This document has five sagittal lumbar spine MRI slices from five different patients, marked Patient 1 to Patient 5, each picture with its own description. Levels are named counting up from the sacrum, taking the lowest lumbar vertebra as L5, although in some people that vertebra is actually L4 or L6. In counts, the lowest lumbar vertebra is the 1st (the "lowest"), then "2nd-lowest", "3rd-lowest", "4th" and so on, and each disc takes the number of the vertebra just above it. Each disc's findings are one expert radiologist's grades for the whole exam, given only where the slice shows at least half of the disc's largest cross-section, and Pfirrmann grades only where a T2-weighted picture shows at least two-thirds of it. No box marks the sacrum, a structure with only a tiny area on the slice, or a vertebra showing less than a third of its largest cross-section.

Patient 1 of 5:
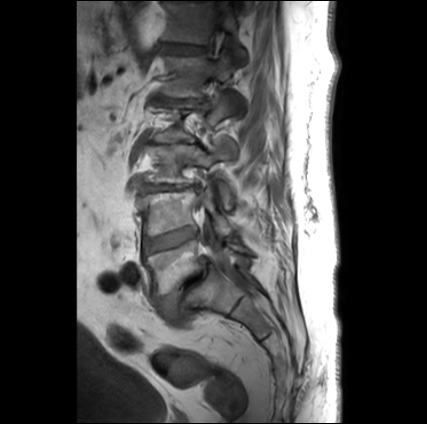
Sex M. Sagittal T1-weighted lumbar spine MRI. Slice 19/30.
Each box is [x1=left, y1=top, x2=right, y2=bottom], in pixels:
• lowest vertebra = [x1=144, y1=240, x2=249, y2=296]
• 5th disc = [x1=158, y1=97, x2=203, y2=101]
• lowest disc = [x1=156, y1=257, x2=207, y2=317]
• 2nd-lowest disc = [x1=143, y1=230, x2=195, y2=254]
• 3rd-lowest vertebra = [x1=144, y1=141, x2=232, y2=208]
• spinal canal = [x1=203, y1=0, x2=257, y2=296]
• 6th vertebra = [x1=164, y1=1, x2=245, y2=60]
• 6th disc = [x1=161, y1=43, x2=207, y2=53]
• 3rd-lowest disc = [x1=140, y1=185, x2=197, y2=193]
• 5th vertebra = [x1=159, y1=51, x2=232, y2=97]
• 2nd-lowest vertebra = [x1=137, y1=186, x2=233, y2=236]

Expert MSK radiologist gradings (per disc):
• lowest disc: disc bulging, upper-endplate change, Modic type II, disc narrowing, lower-endplate change, spondylolisthesis
• 2nd-lowest disc: Modic type II
• 3rd-lowest disc: Modic type II, disc narrowing, disc bulging, lower-endplate change, upper-endplate change
• 6th disc: no Modic or endplate change, herniation, narrowing, bulging or spondylolisthesis recorded

Patient 2 of 5:
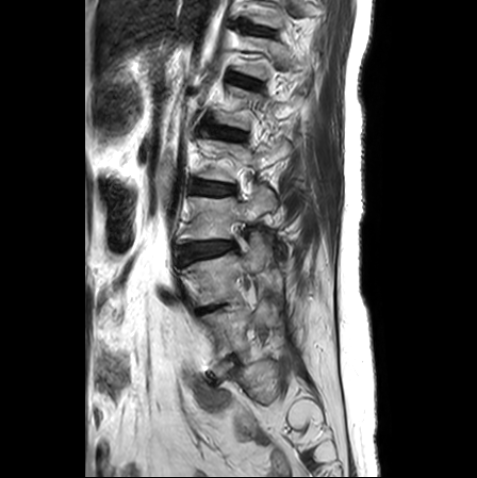

T2-weighted sagittal MRI of the lumbar spine, 477x478 px
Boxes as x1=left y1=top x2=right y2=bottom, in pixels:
T12/L1 at x1=231 y1=74 x2=259 y2=87.
L3/L4 at x1=181 y1=241 x2=233 y2=263.
Intervertebral disc T11/T12 at x1=251 y1=27 x2=273 y2=34.
L1/L2 at x1=215 y1=128 x2=244 y2=139.
Intervertebral disc L5/S1 at x1=221 y1=356 x2=240 y2=372.
L5 vertebra at x1=201 y1=301 x2=283 y2=364.
L4 vertebra at x1=182 y1=232 x2=271 y2=306.
Intervertebral disc L2/L3 at x1=193 y1=181 x2=233 y2=194.
L3 vertebra at x1=178 y1=186 x2=284 y2=257.
Intervertebral disc L4/L5 at x1=199 y1=304 x2=224 y2=313.

Degenerative findings by level:
  L3/L4: Pfirrmann grade 3, disc bulging, lower-endplate change, upper-endplate change, Modic type II
  L2/L3: upper-endplate change, disc bulging, lower-endplate change
  L1/L2: upper-endplate change, lower-endplate change
  T12/L1: no spondylolisthesis, narrowing, bulging, herniation, Modic or endplate change recorded

Patient 3 of 5:
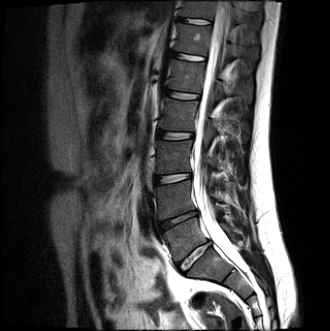

T2-weighted sagittal MRI of the lumbar spine. Image 330x331. Slice spacing 4.2 mm.

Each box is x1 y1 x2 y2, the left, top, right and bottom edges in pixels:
Thecal sac / spinal canal at 194 0 244 269, L1/L2 (5th disc) at 165 90 198 99, L4/L5 (2nd-lowest disc) at 159 209 198 231, IVD L5/S1 (lowest disc) at 178 242 210 271, L3/L4 (3rd-lowest disc) at 154 173 191 184, L2 (4th vertebra) at 159 98 229 132, T12 (6th vertebra) at 174 24 258 58, T11 (7th vertebra) at 180 1 246 22, L4 (2nd-lowest vertebra) at 155 180 221 218, L3 (3rd-lowest vertebra) at 155 140 224 173, L1 (5th vertebra) at 167 59 232 95, L5 (lowest vertebra) at 163 217 232 260, T11/T12 (7th disc) at 179 18 210 24, T12/L1 (6th disc) at 171 52 203 60, L2/L3 (4th disc) at 157 130 192 139.

Per-level radiological findings:
  L2/L3 (4th disc): Pfirrmann grade 2
  L3/L4 (3rd-lowest disc): Pfirrmann grade 2
  T12/L1 (6th disc): Pfirrmann grade 2
  L1/L2 (5th disc): Pfirrmann grade 2
  T11/T12 (7th disc): Pfirrmann grade 2
  L5/S1 (lowest disc): Pfirrmann grade 2, disc bulging
  L4/L5 (2nd-lowest disc): Pfirrmann grade 4, disc herniation, upper-endplate change, Modic type II, disc narrowing, lower-endplate change

Patient 4 of 5:
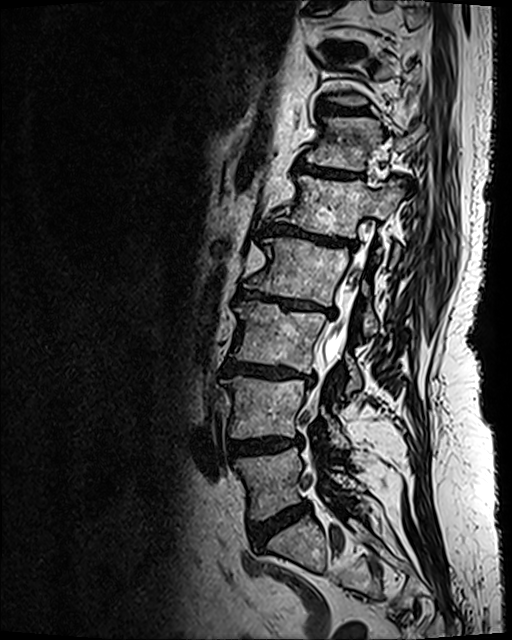 Sex F | T2 SPACE (3D) sagittal MRI of the lumbar spine | 512x640 px | Sagittal slice index 72
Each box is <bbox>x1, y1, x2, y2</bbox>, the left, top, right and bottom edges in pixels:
2nd-lowest vertebra: <bbox>224, 377, 348, 448</bbox>.
Lowest vertebra: <bbox>235, 448, 359, 520</bbox>.
3rd-lowest vertebra: <bbox>231, 301, 361, 393</bbox>.
4th vertebra: <bbox>244, 238, 377, 334</bbox>.
3rd-lowest disc: <bbox>223, 358, 314, 382</bbox>.
5th vertebra: <bbox>278, 175, 405, 259</bbox>.
Spinal canal: <bbox>313, 254, 365, 410</bbox>.
Lowest disc: <bbox>249, 503, 309, 548</bbox>.
5th disc: <bbox>263, 225, 357, 247</bbox>.
6th vertebra: <bbox>307, 117, 412, 170</bbox>.
4th disc: <bbox>238, 287, 334, 314</bbox>.
6th disc: <bbox>297, 164, 354, 177</bbox>.
7th disc: <bbox>322, 107, 354, 113</bbox>.
2nd-lowest disc: <bbox>227, 436, 301, 458</bbox>.

Per-level radiological findings:
  lowest disc: disc bulging
  4th disc: Modic type II, disc bulging, upper-endplate change, lower-endplate change, disc narrowing
  3rd-lowest disc: Pfirrmann grade 5, lower-endplate change, Modic type II, disc bulging, disc narrowing, upper-endplate change
  6th disc: Modic type II, lower-endplate change, upper-endplate change
  5th disc: Pfirrmann grade 5, lower-endplate change, disc bulging, disc narrowing, upper-endplate change, Modic type II
  2nd-lowest disc: Pfirrmann grade 4, disc bulging, upper-endplate change, lower-endplate change

Patient 5 of 5:
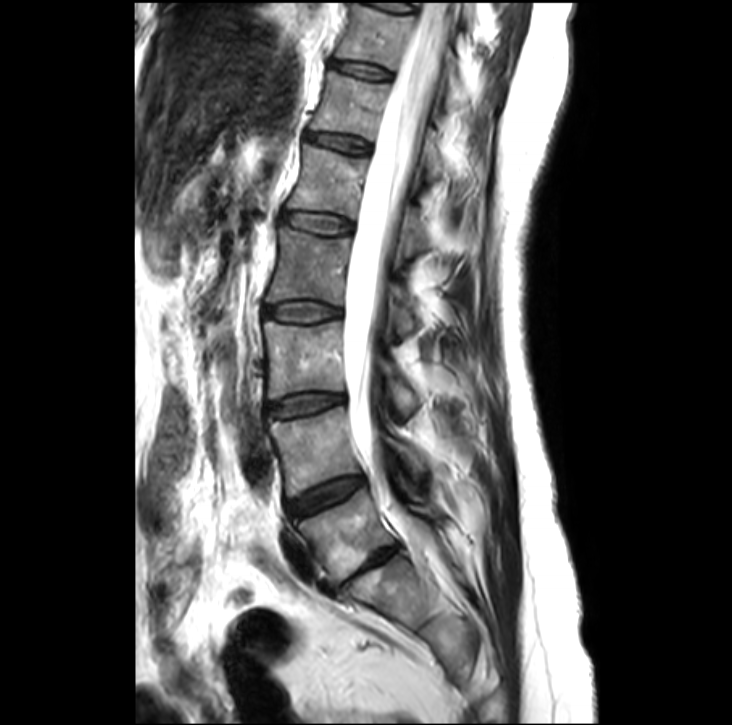 Sagittal T2-weighted lumbar spine MRI

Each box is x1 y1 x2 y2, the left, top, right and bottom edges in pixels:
L1 at 289 143 480 250.
Disc T12/L1 at 306 132 368 153.
L5 at 296 490 441 582.
L5/S1 at 339 547 397 591.
L2 vertebra at 266 227 419 331.
L4 vertebra at 270 406 431 496.
L3/L4 at 268 395 342 416.
L2/L3 at 264 301 339 321.
Disc T11/T12 at 332 60 390 79.
T11 vertebra at 337 3 467 106.
Spinal canal at 343 0 444 514.
L3 vertebra at 264 322 418 414.
T12 at 310 70 486 177.
Disc L4/L5 at 286 477 363 515.
L1/L2 at 282 212 351 233.

Expert MSK radiologist gradings (per disc):
  L4/L5: Pfirrmann grade 3, disc bulging
  T12/L1: Pfirrmann grade 3
  L5/S1: Modic type II, disc bulging, disc narrowing, lower-endplate change, upper-endplate change
  L1/L2: Pfirrmann grade 2
  L2/L3: Pfirrmann grade 2
  L3/L4: Pfirrmann grade 2, disc bulging
  T11/T12: Pfirrmann grade 2